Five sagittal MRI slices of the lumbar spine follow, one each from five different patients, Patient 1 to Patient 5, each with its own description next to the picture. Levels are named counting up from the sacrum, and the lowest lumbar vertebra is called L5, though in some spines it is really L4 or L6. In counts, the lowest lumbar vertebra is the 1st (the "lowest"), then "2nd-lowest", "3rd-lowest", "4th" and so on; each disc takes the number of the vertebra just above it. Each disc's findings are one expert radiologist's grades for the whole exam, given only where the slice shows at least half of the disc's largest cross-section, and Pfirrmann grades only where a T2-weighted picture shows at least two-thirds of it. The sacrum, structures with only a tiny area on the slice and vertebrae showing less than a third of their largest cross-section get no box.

Patient 1 of 5:
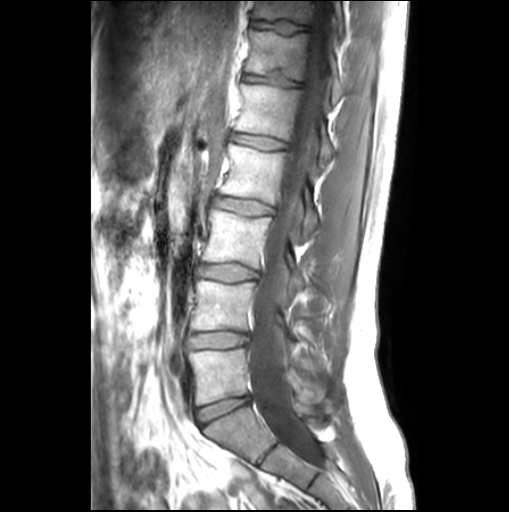 Lumbar spine MR, T1-weighted, sagittal.
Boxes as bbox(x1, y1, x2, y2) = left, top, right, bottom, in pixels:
T12/L1 (6th disc) at bbox(243, 74, 298, 86); L1 (5th vertebra) at bbox(234, 84, 333, 166); T11 (7th vertebra) at bbox(254, 0, 344, 32); L3 (3rd-lowest vertebra) at bbox(202, 208, 304, 287); L5/S1 (lowest disc) at bbox(196, 396, 249, 426); L3/L4 (3rd-lowest disc) at bbox(198, 264, 257, 280); L4 (2nd-lowest vertebra) at bbox(190, 279, 298, 340); T12 (6th vertebra) at bbox(246, 29, 344, 102); disc L4/L5 (2nd-lowest disc) at bbox(190, 332, 248, 347); thecal sac / spinal canal at bbox(250, 1, 332, 463); L2/L3 (4th disc) at bbox(213, 196, 271, 214); L5 (lowest vertebra) at bbox(189, 348, 323, 405); L2 (4th vertebra) at bbox(221, 143, 316, 236); L1/L2 (5th disc) at bbox(231, 133, 286, 149); disc T11/T12 (7th disc) at bbox(250, 20, 307, 32).

Per-level radiological findings:
• L1/L2 (5th disc): Modic type II
• T12/L1 (6th disc): lower-endplate change, upper-endplate change
• T11/T12 (7th disc): upper-endplate change, lower-endplate change
• L3/L4 (3rd-lowest disc), L4/L5 (2nd-lowest disc), L2/L3 (4th disc), L5/S1 (lowest disc): no herniation, bulging, narrowing, spondylolisthesis, endplate or Modic change recorded

Patient 2 of 5:
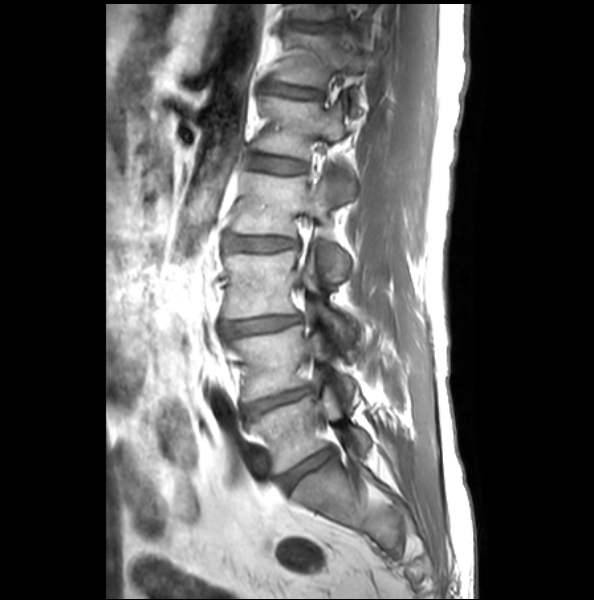 Field of view 280x283 mm; 594x600 px; Sagittal T1-weighted lumbar spine MRI

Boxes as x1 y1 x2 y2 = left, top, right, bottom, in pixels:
4th disc at 225 235 299 251.
2nd-lowest disc at 241 386 315 420.
Lowest vertebra at 248 385 372 473.
7th disc at 289 22 338 30.
3rd-lowest vertebra at 224 247 353 345.
4th vertebra at 231 173 349 280.
Lowest disc at 278 447 333 492.
5th disc at 251 155 307 174.
7th vertebra at 293 5 337 22.
5th vertebra at 253 96 358 204.
2nd-lowest vertebra at 228 325 361 406.
6th disc at 266 84 321 98.
6th vertebra at 274 33 369 113.
3rd-lowest disc at 221 314 303 337.

Per-level radiological findings:
- 6th disc: upper-endplate change, disc bulging
- 4th disc: disc narrowing, disc bulging
- 3rd-lowest disc: disc bulging, disc narrowing
- lowest disc: upper-endplate change, lower-endplate change
- 7th disc: lower-endplate change, disc bulging, upper-endplate change
- 2nd-lowest disc: disc narrowing, lower-endplate change, disc bulging
- 5th disc: upper-endplate change

Patient 3 of 5:
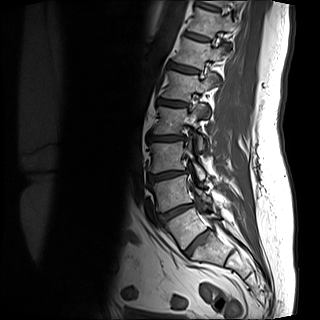 MRI lumbar spine (T1-weighted), sagittal plane. Sex M.
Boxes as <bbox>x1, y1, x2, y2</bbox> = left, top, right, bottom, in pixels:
7th vertebra — <bbox>188, 7, 234, 38</bbox>.
Lowest vertebra — <bbox>166, 208, 220, 249</bbox>.
Thecal sac / spinal canal — <bbox>188, 164, 223, 232</bbox>.
6th vertebra — <bbox>173, 37, 223, 67</bbox>.
5th vertebra — <bbox>162, 71, 218, 114</bbox>.
7th disc — <bbox>185, 32, 208, 41</bbox>.
2nd-lowest disc — <bbox>158, 203, 194, 224</bbox>.
3rd-lowest vertebra — <bbox>148, 138, 205, 179</bbox>.
3rd-lowest disc — <bbox>148, 170, 186, 182</bbox>.
8th disc — <bbox>197, 2, 219, 11</bbox>.
2nd-lowest vertebra — <bbox>150, 175, 211, 212</bbox>.
4th disc — <bbox>147, 135, 185, 142</bbox>.
4th vertebra — <bbox>153, 104, 204, 149</bbox>.
5th disc — <bbox>157, 99, 187, 106</bbox>.
6th disc — <bbox>168, 62, 198, 73</bbox>.
Lowest disc — <bbox>183, 229, 209, 257</bbox>.

Radiological gradings:
- 3rd-lowest disc: disc bulging, disc narrowing
- 4th disc: disc bulging, disc narrowing
- lowest disc: lower-endplate change
- 2nd-lowest disc: disc narrowing, disc bulging
- 7th disc, 5th disc, 6th disc, 8th disc: no herniation, bulging, narrowing, spondylolisthesis, endplate or Modic change recorded

Patient 4 of 5:
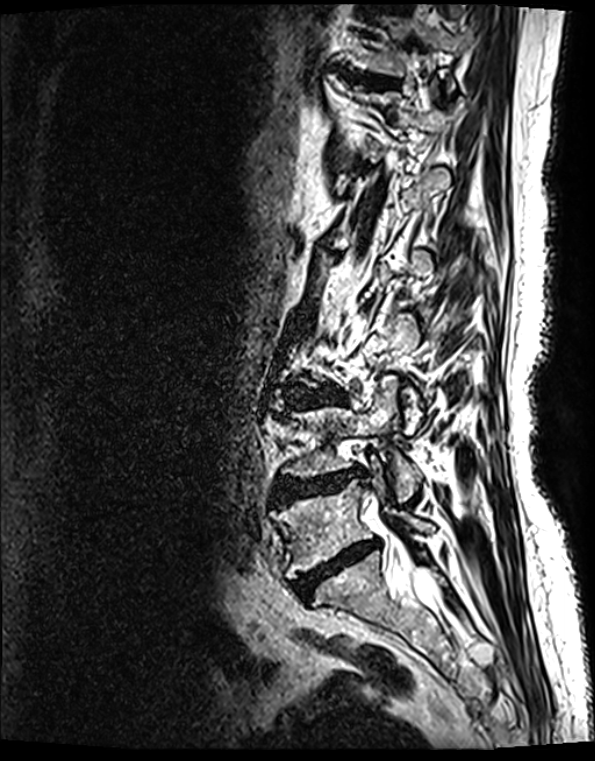 Sagittal T2 SPACE (3D) lumbar spine MRI

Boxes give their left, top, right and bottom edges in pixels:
Annotations:
* L4: left=285, top=376, right=418, bottom=500
* T11 vertebra: left=352, top=21, right=473, bottom=75
* L5 vertebra: left=276, top=462, right=433, bottom=577
* disc T11/T12: left=356, top=75, right=393, bottom=89
* disc L3/L4: left=288, top=389, right=338, bottom=404
* thecal sac / spinal canal: left=415, top=574, right=430, bottom=594
* disc L5/S1: left=294, top=541, right=379, bottom=597
* L4/L5: left=276, top=468, right=356, bottom=501

Radiological gradings:
• L4/L5: Modic type II, disc herniation, disc bulging, disc narrowing, upper-endplate change, lower-endplate change
• L5/S1: Pfirrmann grade 5, disc bulging, upper-endplate change, lower-endplate change, Modic type II, disc narrowing

Patient 5 of 5:
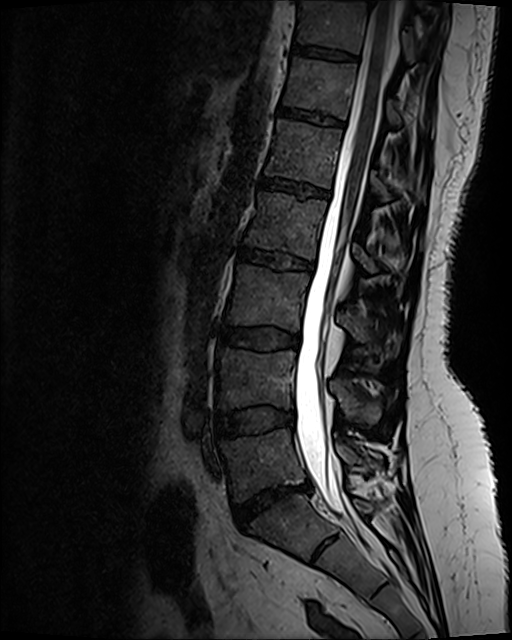 Patient sex: F. T2 SPACE (3D) sagittal MRI of the lumbar spine. 512x640 px.
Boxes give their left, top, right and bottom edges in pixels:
{"intervertebral disc L1/L2": "left=261, top=179, right=328, bottom=198", "T11 vertebra": "left=299, top=3, right=419, bottom=61", "intervertebral disc L2/L3": "left=238, top=248, right=314, bottom=270", "intervertebral disc T12/L1": "left=278, top=106, right=343, bottom=129", "L2": "left=245, top=193, right=376, bottom=272", "L1 vertebra": "left=266, top=120, right=423, bottom=200", "L5": "left=221, top=429, right=362, bottom=501", "intervertebral disc L4/L5": "left=216, top=408, right=293, bottom=438", "intervertebral disc T11/T12": "left=293, top=47, right=354, bottom=60", "T12": "left=285, top=59, right=401, bottom=124", "intervertebral disc L5/S1": "left=233, top=485, right=310, bottom=528", "L3 vertebra": "left=227, top=267, right=396, bottom=360", "L4 vertebra": "left=219, top=349, right=381, bottom=426", "thecal sac / spinal canal": "left=296, top=1, right=395, bottom=514", "L3/L4": "left=221, top=328, right=299, bottom=349"}

Degenerative findings by level:
• L1/L2: Pfirrmann grade 2, upper-endplate change, lower-endplate change
• T11/T12: Pfirrmann grade 2
• L4/L5: Pfirrmann grade 2, disc bulging
• T12/L1: Pfirrmann grade 2, lower-endplate change, upper-endplate change
• L5/S1: Pfirrmann grade 1, disc herniation, disc bulging, disc narrowing
• L3/L4: Pfirrmann grade 2, disc bulging
• L2/L3: Pfirrmann grade 4, disc bulging, upper-endplate change, lower-endplate change